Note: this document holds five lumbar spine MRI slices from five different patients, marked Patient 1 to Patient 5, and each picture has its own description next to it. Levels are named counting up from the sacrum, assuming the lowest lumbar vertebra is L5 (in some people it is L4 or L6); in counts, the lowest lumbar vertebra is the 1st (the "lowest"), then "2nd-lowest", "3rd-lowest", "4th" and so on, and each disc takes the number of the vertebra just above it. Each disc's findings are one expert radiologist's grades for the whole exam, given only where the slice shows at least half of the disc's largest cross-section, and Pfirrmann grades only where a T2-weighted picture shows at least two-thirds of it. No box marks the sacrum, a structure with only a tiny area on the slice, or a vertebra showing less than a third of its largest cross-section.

Patient 1 of 5:
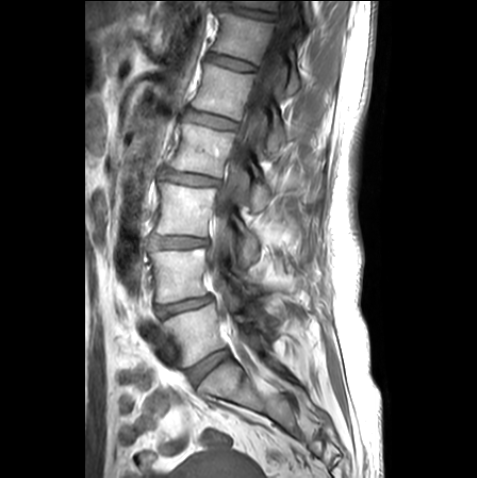 MRI lumbar spine (T1-weighted), sagittal plane, Sagittal slice index 15

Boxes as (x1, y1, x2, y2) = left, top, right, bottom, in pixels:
L5/S1 (lowest disc): (187, 349, 228, 385)
L3 (3rd-lowest vertebra): (156, 175, 259, 265)
T12 (6th vertebra): (213, 11, 303, 96)
IVD L3/L4 (3rd-lowest disc): (153, 236, 207, 248)
L2/L3 (4th disc): (165, 170, 219, 186)
L1/L2 (5th disc): (187, 109, 237, 129)
L4 (2nd-lowest vertebra): (151, 249, 261, 303)
L2 (4th vertebra): (171, 121, 317, 211)
spinal canal: (208, 4, 290, 281)
T12/L1 (6th disc): (208, 53, 256, 71)
IVD L4/L5 (2nd-lowest disc): (156, 295, 212, 317)
L1 (5th vertebra): (193, 63, 293, 156)
L5 (lowest vertebra): (165, 300, 270, 366)
T11/T12 (7th disc): (216, 3, 276, 20)
T11 (7th vertebra): (226, 0, 315, 24)

Expert MSK radiologist gradings (per disc):
• T11/T12 (7th disc): disc narrowing, lower-endplate change, upper-endplate change
• L2/L3 (4th disc): lower-endplate change, upper-endplate change, disc bulging
• L3/L4 (3rd-lowest disc): disc bulging, disc narrowing
• L4/L5 (2nd-lowest disc): disc bulging, disc narrowing, lower-endplate change, upper-endplate change
• T12/L1 (6th disc): upper-endplate change, lower-endplate change
• L1/L2 (5th disc): lower-endplate change, upper-endplate change
• L5/S1 (lowest disc): no Modic or endplate change, herniation, narrowing, bulging or spondylolisthesis recorded

Patient 2 of 5:
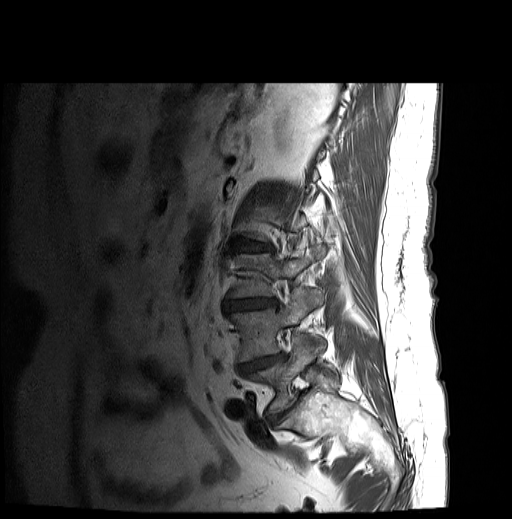 Sagittal slice index 20; 512x519 px; T1-weighted sagittal MRI of the lumbar spine; Sex F

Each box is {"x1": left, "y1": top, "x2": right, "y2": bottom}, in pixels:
Annotations:
- IVD L2/L3: {"x1": 237, "y1": 242, "x2": 271, "y2": 251}
- L5: {"x1": 246, "y1": 341, "x2": 338, "y2": 413}
- L4: {"x1": 230, "y1": 289, "x2": 325, "y2": 362}
- IVD L5/S1: {"x1": 266, "y1": 400, "x2": 295, "y2": 425}
- L4/L5: {"x1": 238, "y1": 353, "x2": 285, "y2": 374}
- L3 vertebra: {"x1": 229, "y1": 245, "x2": 325, "y2": 298}
- IVD L3/L4: {"x1": 224, "y1": 299, "x2": 277, "y2": 310}

Radiological gradings:
- L2/L3: Modic type II, upper-endplate change, disc bulging, disc narrowing, lower-endplate change
- L4/L5: Modic type II, disc narrowing, upper-endplate change, lower-endplate change, disc bulging
- L3/L4: disc bulging, upper-endplate change, lower-endplate change, disc narrowing, Modic type II

Patient 3 of 5:
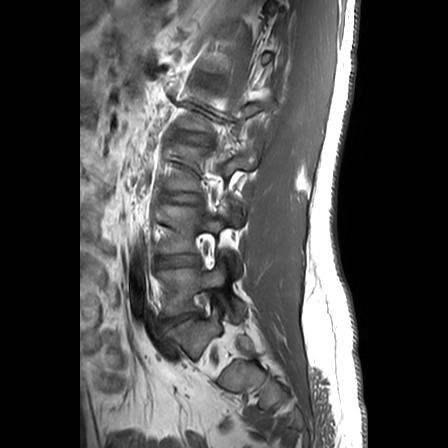 Lumbar spine MR, T1-weighted, sagittal
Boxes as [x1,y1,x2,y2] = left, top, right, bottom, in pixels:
2nd-lowest disc — [157,255,199,266].
2nd-lowest vertebra — [159,202,240,271].
4th disc — [178,133,205,141].
3rd-lowest vertebra — [166,143,255,191].
3rd-lowest disc — [164,194,194,201].
Lowest vertebra — [157,262,242,315].
Lowest disc — [165,313,195,326].

Degenerative findings by level:
  2nd-lowest disc: no herniation, bulging, narrowing, spondylolisthesis, endplate or Modic change recorded

Patient 4 of 5:
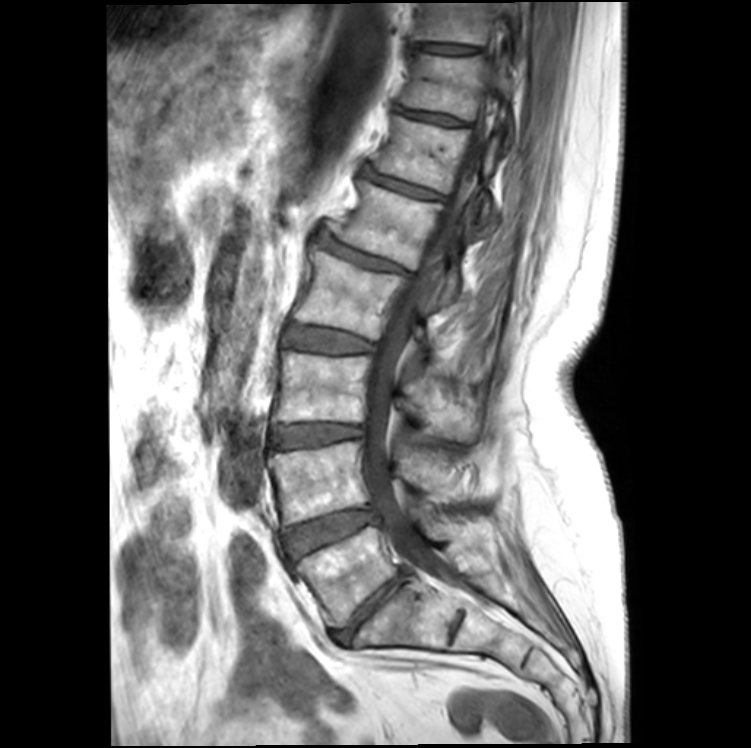
Slice 10 of 20. Image 751x748. Lumbar spine MR, T1-weighted, sagittal.
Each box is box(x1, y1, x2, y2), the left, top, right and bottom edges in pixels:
L5/S1 = box(332, 569, 410, 644).
L3 = box(272, 350, 477, 441).
IVD L1/L2 = box(317, 235, 413, 277).
T11 = box(400, 53, 512, 130).
T12 vertebra = box(371, 116, 499, 221).
IVD L3/L4 = box(272, 424, 364, 449).
L1 = box(332, 181, 456, 304).
T11/T12 = box(396, 107, 462, 125).
Spinal canal = box(364, 145, 478, 573).
IVD L2/L3 = box(284, 322, 378, 354).
L2 vertebra = box(294, 247, 430, 355).
L4 vertebra = box(269, 441, 475, 529).
T10 = box(417, 3, 527, 62).
IVD T10/T11 = box(414, 43, 477, 54).
L4/L5 = box(284, 508, 378, 558).
IVD T12/L1 = box(360, 170, 440, 199).
L5 vertebra = box(297, 518, 461, 627).

Per-level radiological findings:
• T12/L1: upper-endplate change, Modic type II, disc narrowing, lower-endplate change
• L3/L4: disc narrowing, disc bulging, Modic type II
• T11/T12: upper-endplate change, Modic type II, disc narrowing, lower-endplate change
• L1/L2: spondylolisthesis, disc narrowing, disc bulging, Modic type II, lower-endplate change, upper-endplate change
• L4/L5: Modic type II, disc bulging
• L2/L3: Modic type II, disc bulging
• L5/S1: upper-endplate change, disc narrowing, lower-endplate change, disc bulging
• T10/T11: lower-endplate change

Patient 5 of 5:
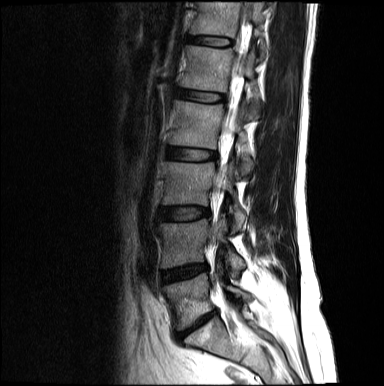 T2-weighted sagittal MRI of the lumbar spine; 384x386 px
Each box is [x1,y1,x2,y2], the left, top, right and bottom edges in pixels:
L4 vertebra — [158,215,245,275].
T12/L1 — [187,37,230,45].
L2/L3 — [167,148,215,160].
L1 — [180,46,257,112].
L2 vertebra — [170,100,250,170].
Spinal canal — [218,59,242,186].
Disc L5/S1 — [176,312,215,338].
T12 vertebra — [191,2,265,55].
L5 — [164,273,251,329].
L3/L4 — [159,207,208,220].
L4/L5 — [161,265,207,281].
L1/L2 — [175,89,223,102].
L3 vertebra — [161,162,245,229].

Expert MSK radiologist gradings (per disc):
- T12/L1: Pfirrmann grade 2
- L4/L5: Pfirrmann grade 4, disc bulging, disc narrowing
- L1/L2: Pfirrmann grade 2, upper-endplate change
- L3/L4: Pfirrmann grade 2
- L2/L3: Pfirrmann grade 2